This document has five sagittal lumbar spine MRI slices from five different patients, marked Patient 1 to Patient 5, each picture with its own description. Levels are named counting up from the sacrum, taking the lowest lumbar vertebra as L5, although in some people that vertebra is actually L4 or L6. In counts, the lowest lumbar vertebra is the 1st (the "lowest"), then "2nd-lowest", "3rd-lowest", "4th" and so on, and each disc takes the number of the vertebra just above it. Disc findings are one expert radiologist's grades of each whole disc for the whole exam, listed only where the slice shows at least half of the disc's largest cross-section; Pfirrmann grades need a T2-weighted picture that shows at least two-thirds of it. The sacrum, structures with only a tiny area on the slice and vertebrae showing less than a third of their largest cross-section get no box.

Patient 1 of 5:
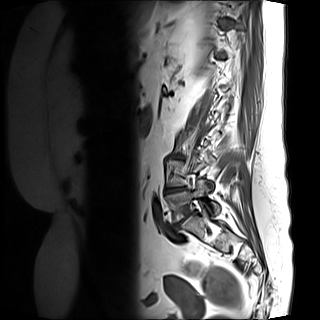

MRI lumbar spine (T1-weighted), sagittal plane. Field of view 340x340 mm, slice spacing 4.8 mm. Slice 11/15. Sex F.

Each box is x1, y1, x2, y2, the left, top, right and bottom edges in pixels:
Annotations:
- L5 (lowest vertebra) = 165, 181, 219, 222
- IVD L4/L5 (2nd-lowest disc) = 165, 187, 186, 193
- L5/S1 (lowest disc) = 173, 214, 191, 229

Degenerative findings by level:
• L5/S1 (lowest disc): disc narrowing, disc bulging, lower-endplate change, Modic type II, upper-endplate change
• L4/L5 (2nd-lowest disc): lower-endplate change, disc narrowing, disc bulging, upper-endplate change, Modic type II

Patient 2 of 5:
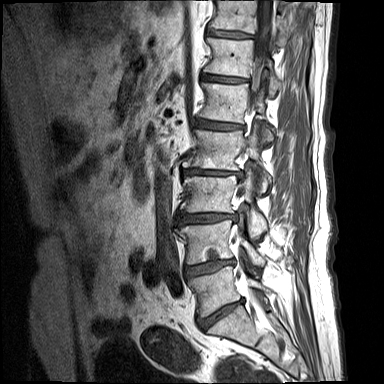

Sex M | MRI lumbar spine (T1-weighted), sagittal plane

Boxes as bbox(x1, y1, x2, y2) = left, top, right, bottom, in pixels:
L1 — bbox(199, 83, 274, 146).
Thecal sac / spinal canal — bbox(236, 0, 274, 240).
L5 — bbox(188, 266, 269, 317).
T12 vertebra — bbox(205, 38, 280, 96).
L3 vertebra — bbox(181, 171, 267, 237).
L5/S1 — bbox(198, 299, 242, 329).
Intervertebral disc L2/L3 — bbox(182, 169, 242, 176).
T11 — bbox(209, 0, 288, 45).
T12/L1 — bbox(203, 74, 245, 82).
L4/L5 — bbox(185, 250, 233, 277).
L2 vertebra — bbox(183, 124, 268, 191).
Intervertebral disc L1/L2 — bbox(194, 118, 242, 129).
Intervertebral disc L3/L4 — bbox(177, 213, 237, 225).
L4 vertebra — bbox(177, 220, 265, 266).
Intervertebral disc T11/T12 — bbox(207, 29, 252, 38).

Radiological gradings:
  L4/L5: Modic type II, disc narrowing, lower-endplate change, disc bulging
  L5/S1: disc bulging, disc narrowing, Modic type II
  T12/L1: disc narrowing, Modic type II
  L2/L3: lower-endplate change, Modic type II, disc herniation, disc narrowing
  L1/L2: disc narrowing, lower-endplate change, disc bulging, Modic type II
  T11/T12: Modic type II, disc narrowing, upper-endplate change, lower-endplate change
  L3/L4: lower-endplate change, upper-endplate change, disc narrowing, disc herniation, Modic type II

Patient 3 of 5:
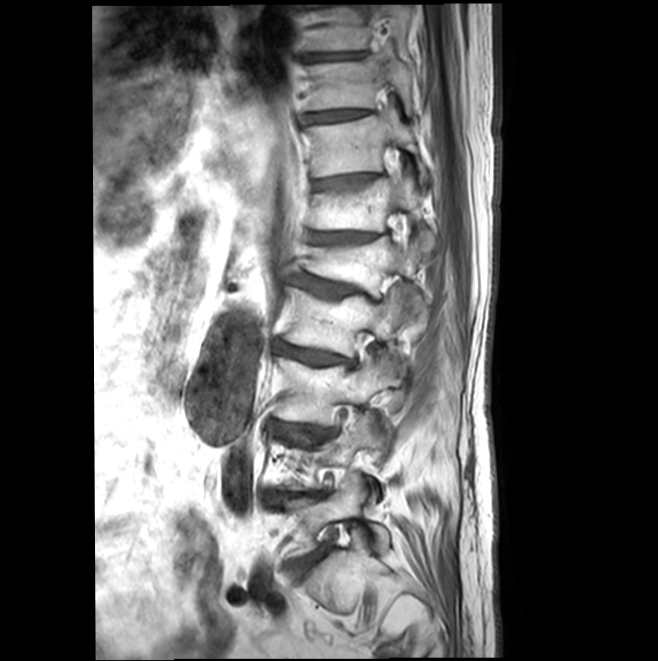 Slice spacing 4.4 mm; MRI lumbar spine (T1-weighted), sagittal plane
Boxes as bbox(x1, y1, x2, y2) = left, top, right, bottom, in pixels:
L3/L4 (3rd-lowest disc): bbox(276, 423, 314, 430).
T11 (7th vertebra): bbox(308, 111, 427, 180).
T12 (6th vertebra): bbox(311, 176, 436, 253).
L5 (lowest vertebra): bbox(284, 474, 388, 555).
L1/L2 (5th disc): bbox(294, 273, 379, 301).
T9/T10 (9th disc): bbox(305, 52, 364, 60).
T11/T12 (7th disc): bbox(312, 174, 373, 189).
T9 (9th vertebra): bbox(308, 5, 410, 50).
Disc T10/T11 (8th disc): bbox(303, 110, 366, 122).
L1 (5th vertebra): bbox(306, 237, 425, 317).
T10 (8th vertebra): bbox(309, 57, 412, 114).
L2 (4th vertebra): bbox(284, 286, 414, 357).
L3 (3rd-lowest vertebra): bbox(275, 352, 392, 426).
T12/L1 (6th disc): bbox(310, 233, 376, 243).
L5/S1 (lowest disc): bbox(292, 549, 326, 568).
L2/L3 (4th disc): bbox(274, 341, 353, 365).

Expert MSK radiologist gradings (per disc):
- L2/L3 (4th disc): disc narrowing, Modic type II, upper-endplate change, disc bulging
- L1/L2 (5th disc): disc narrowing, Modic type II, disc bulging, spondylolisthesis, upper-endplate change
- T10/T11 (8th disc), T9/T10 (9th disc): no spondylolisthesis, narrowing, bulging, herniation, Modic or endplate change recorded

Patient 4 of 5:
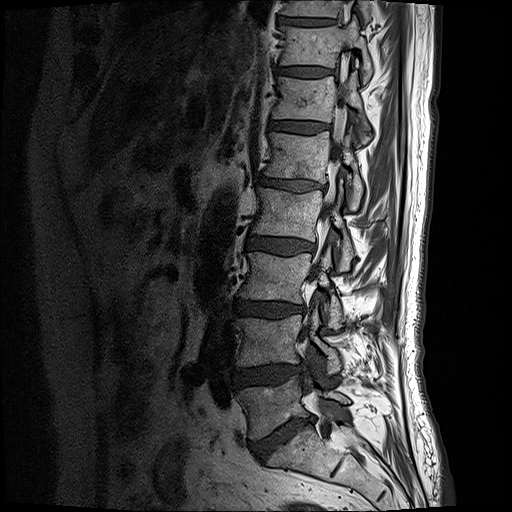

Lumbar spine MR, T1-weighted, sagittal
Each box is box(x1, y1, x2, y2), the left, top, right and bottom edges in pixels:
6th vertebra: box(273, 71, 372, 144)
5th disc: box(259, 176, 317, 190)
4th disc: box(246, 235, 313, 255)
lowest disc: box(249, 417, 313, 461)
8th disc: box(278, 16, 332, 24)
8th vertebra: box(281, 0, 369, 26)
4th vertebra: box(253, 184, 354, 270)
6th disc: box(270, 121, 328, 133)
3rd-lowest vertebra: box(238, 247, 344, 330)
7th vertebra: box(281, 17, 372, 83)
2nd-lowest disc: box(234, 363, 300, 388)
5th vertebra: box(265, 129, 363, 210)
3rd-lowest disc: box(234, 299, 304, 318)
2nd-lowest vertebra: box(237, 309, 340, 375)
spinal canal: box(302, 99, 344, 430)
7th disc: box(278, 67, 329, 77)
lowest vertebra: box(237, 375, 348, 438)

Expert MSK radiologist gradings (per disc):
• 4th disc: disc bulging
• lowest disc: disc bulging, Modic type II, lower-endplate change, disc narrowing
• 2nd-lowest disc: disc herniation, disc bulging
• 3rd-lowest disc: disc bulging, lower-endplate change, Modic type II, disc narrowing
• 5th disc: disc bulging, lower-endplate change, upper-endplate change, Modic type II, disc narrowing
• 6th disc, 7th disc: no spondylolisthesis, narrowing, bulging, herniation, Modic or endplate change recorded

Patient 5 of 5:
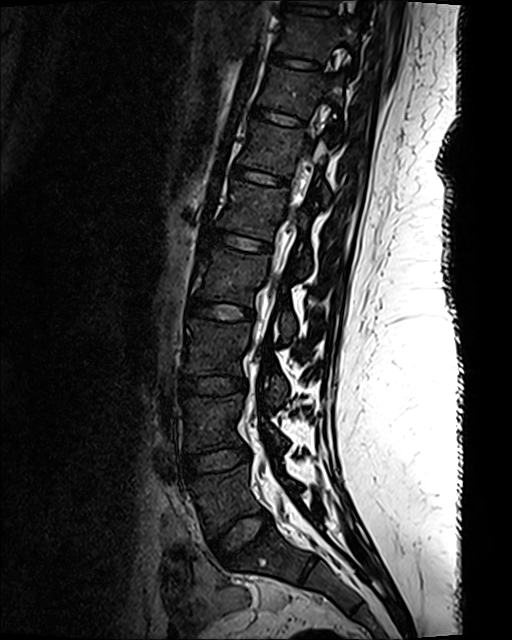
Lumbar spine MR, T2 SPACE (3D), sagittal; Image 512x640
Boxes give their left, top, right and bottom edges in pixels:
intervertebral disc L1/L2 — left=209, top=229, right=269, bottom=251 | intervertebral disc L2/L3 — left=188, top=298, right=253, bottom=319 | L2 vertebra — left=198, top=246, right=296, bottom=338 | L3 vertebra — left=183, top=319, right=287, bottom=405 | intervertebral disc L3/L4 — left=179, top=376, right=246, bottom=395 | T11 — left=258, top=67, right=344, bottom=140 | T10 vertebra — left=277, top=14, right=359, bottom=60 | T10/T11 — left=271, top=52, right=321, bottom=69 | spinal canal — left=261, top=0, right=352, bottom=540 | T11/T12 — left=252, top=108, right=304, bottom=126 | T12 vertebra — left=238, top=122, right=330, bottom=201 | L5/S1 — left=211, top=511, right=272, bottom=565 | L5 vertebra — left=188, top=463, right=297, bottom=535 | L4 vertebra — left=183, top=394, right=288, bottom=451 | L1 — left=218, top=182, right=310, bottom=272 | T12/L1 — left=233, top=166, right=286, bottom=185 | intervertebral disc L4/L5 — left=184, top=446, right=250, bottom=477

Per-level radiological findings:
- T12/L1: Pfirrmann grade 1
- L3/L4: Pfirrmann grade 1
- L2/L3: Pfirrmann grade 1
- T10/T11: Pfirrmann grade 1
- L1/L2: Pfirrmann grade 1
- L4/L5: Pfirrmann grade 1
- L5/S1: Pfirrmann grade 1
- T11/T12: Pfirrmann grade 1